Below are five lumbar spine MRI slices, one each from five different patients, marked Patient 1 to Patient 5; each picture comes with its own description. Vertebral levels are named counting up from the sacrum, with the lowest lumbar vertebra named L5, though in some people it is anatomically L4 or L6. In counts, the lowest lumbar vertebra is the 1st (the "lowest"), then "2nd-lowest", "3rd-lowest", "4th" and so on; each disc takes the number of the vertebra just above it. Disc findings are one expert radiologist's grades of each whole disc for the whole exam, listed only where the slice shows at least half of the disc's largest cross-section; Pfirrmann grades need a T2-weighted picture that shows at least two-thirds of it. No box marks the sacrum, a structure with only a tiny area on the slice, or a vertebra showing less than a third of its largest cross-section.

Patient 1 of 5:
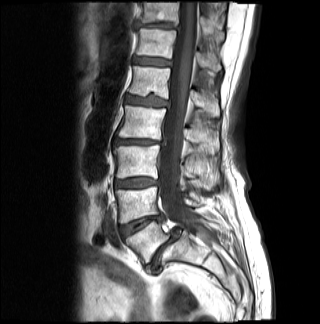 Sex F, Lumbar spine MR, T1-weighted, sagittal, Field of view 260x263 mm

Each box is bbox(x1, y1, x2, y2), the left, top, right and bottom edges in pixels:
T11 (7th vertebra) at bbox(140, 1, 224, 41).
T12/L1 (6th disc) at bbox(133, 57, 170, 65).
IVD L3/L4 (3rd-lowest disc) at bbox(115, 178, 158, 187).
IVD L5/S1 (lowest disc) at bbox(146, 228, 179, 272).
IVD L1/L2 (5th disc) at bbox(126, 95, 168, 106).
L2 (4th vertebra) at bbox(116, 105, 212, 145).
IVD L2/L3 (4th disc) at bbox(113, 138, 164, 145).
L1 (5th vertebra) at bbox(129, 66, 219, 115).
Thecal sac / spinal canal at bbox(160, 1, 199, 233).
T11/T12 (7th disc) at bbox(135, 23, 173, 29).
L3 (3rd-lowest vertebra) at bbox(113, 145, 194, 179).
L4/L5 (2nd-lowest disc) at bbox(120, 213, 164, 237).
L5 (lowest vertebra) at bbox(126, 219, 218, 262).
T12 (6th vertebra) at bbox(136, 28, 221, 71).
L4 (2nd-lowest vertebra) at bbox(115, 186, 200, 223).

Expert MSK radiologist gradings (per disc):
  L3/L4 (3rd-lowest disc): disc bulging
  L1/L2 (5th disc): disc bulging, lower-endplate change
  L2/L3 (4th disc): disc narrowing, Modic type II, disc bulging
  T11/T12 (7th disc): disc bulging, disc narrowing
  L4/L5 (2nd-lowest disc): Modic type II, disc narrowing
  L5/S1 (lowest disc): lower-endplate change, disc narrowing, upper-endplate change, spondylolisthesis, disc herniation, Modic type II, disc bulging
  T12/L1 (6th disc): no Modic or endplate change, herniation, narrowing, bulging or spondylolisthesis recorded

Patient 2 of 5:
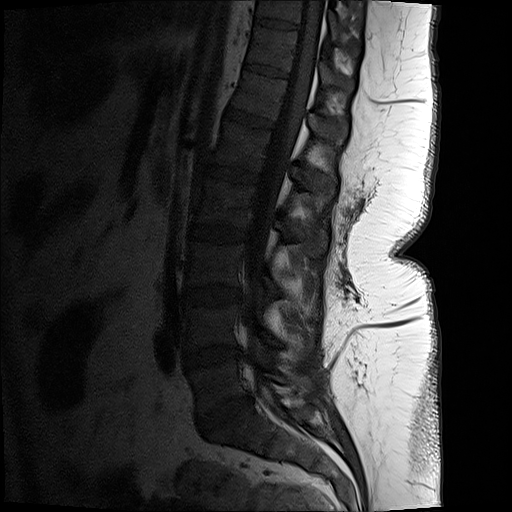

MRI lumbar spine (T1-weighted), sagittal plane. Sex F.

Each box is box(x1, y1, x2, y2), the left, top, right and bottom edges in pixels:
{"intervertebral disc L4/L5": "box(185, 346, 243, 368)", "L5 vertebra": "box(191, 359, 286, 412)", "intervertebral disc T12/L1": "box(224, 104, 273, 128)", "spinal canal": "box(244, 1, 325, 394)", "L1 vertebra": "box(213, 118, 337, 197)", "L2": "box(191, 176, 328, 254)", "L4": "box(188, 303, 282, 349)", "intervertebral disc L5/S1": "box(198, 395, 252, 430)", "L3": "box(188, 240, 278, 302)", "T11/T12": "box(244, 62, 290, 77)", "T11": "box(248, 25, 354, 90)", "intervertebral disc L2/L3": "box(188, 222, 247, 241)", "L1/L2": "box(195, 162, 258, 182)", "L3/L4": "box(187, 285, 242, 305)", "T12": "box(233, 70, 349, 145)", "T10/T11": "box(255, 17, 300, 29)", "T10 vertebra": "box(257, 0, 360, 53)"}

Per-level radiological findings:
- L4/L5: disc narrowing, disc bulging
- L5/S1: disc bulging, disc narrowing
- L2/L3, L3/L4, T12/L1, T11/T12, L1/L2, T10/T11: no spondylolisthesis, narrowing, bulging, herniation, Modic or endplate change recorded

Patient 3 of 5:
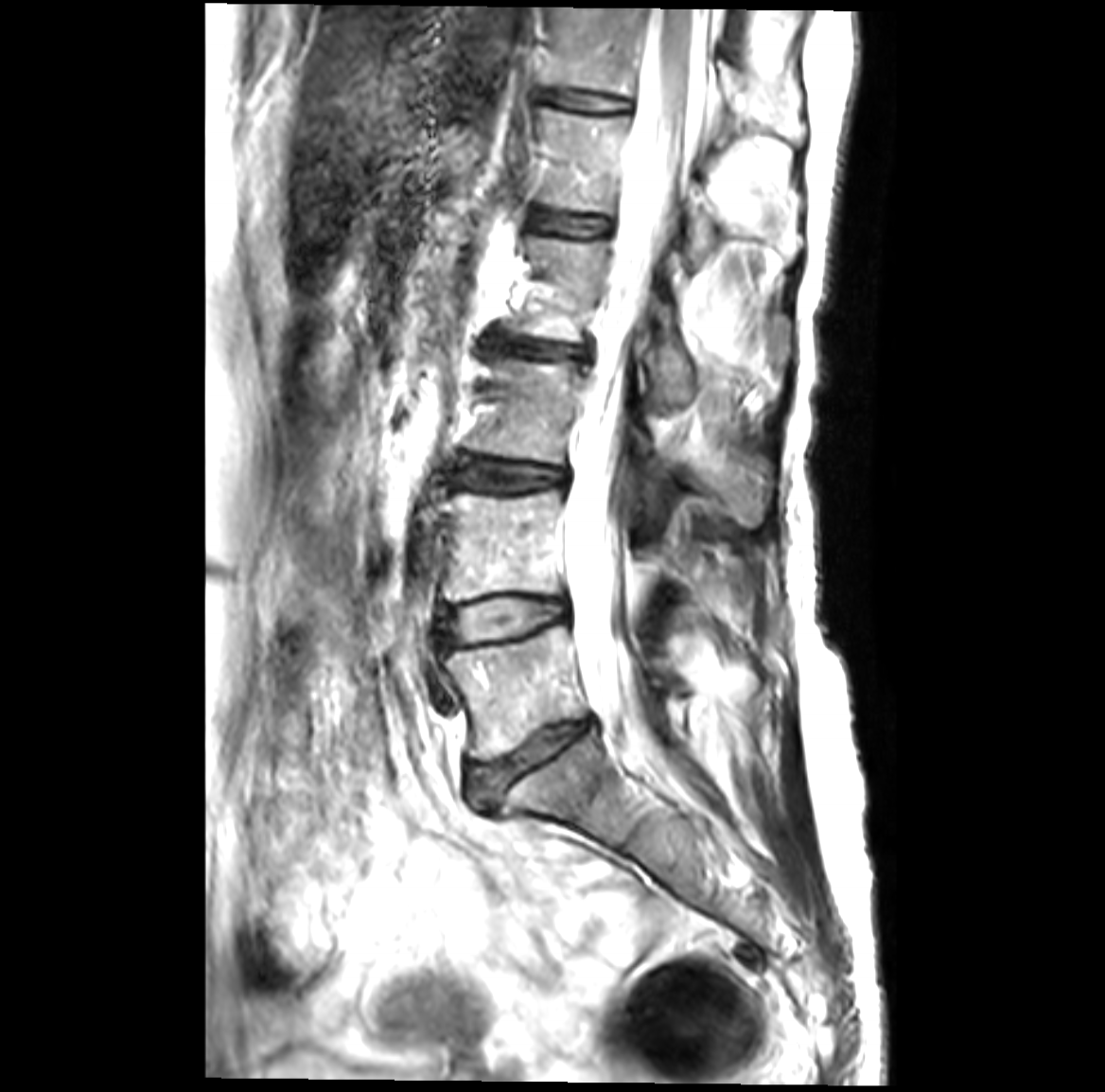
Image 1105x1092 | Sex F | Slice 20 of 41 | MRI lumbar spine (T2-weighted), sagittal plane | Field of view 290x286 mm
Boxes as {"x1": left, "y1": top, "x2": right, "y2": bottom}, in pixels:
{"lowest disc": {"x1": 469, "y1": 719, "x2": 595, "y2": 798}, "3rd-lowest disc": {"x1": 455, "y1": 457, "x2": 560, "y2": 489}, "6th disc": {"x1": 547, "y1": 91, "x2": 629, "y2": 117}, "5th disc": {"x1": 531, "y1": 213, "x2": 608, "y2": 238}, "lowest vertebra": {"x1": 444, "y1": 625, "x2": 675, "y2": 760}, "4th vertebra": {"x1": 513, "y1": 236, "x2": 787, "y2": 401}, "5th vertebra": {"x1": 538, "y1": 110, "x2": 801, "y2": 262}, "3rd-lowest vertebra": {"x1": 471, "y1": 361, "x2": 769, "y2": 527}, "6th vertebra": {"x1": 545, "y1": 8, "x2": 764, "y2": 133}, "thecal sac / spinal canal": {"x1": 565, "y1": 9, "x2": 705, "y2": 754}, "2nd-lowest disc": {"x1": 444, "y1": 598, "x2": 567, "y2": 640}, "2nd-lowest vertebra": {"x1": 444, "y1": 487, "x2": 760, "y2": 599}, "4th disc": {"x1": 492, "y1": 333, "x2": 585, "y2": 359}}

Expert MSK radiologist gradings (per disc):
• 2nd-lowest disc: Pfirrmann grade 3, disc bulging, Modic type II
• 6th disc: Pfirrmann grade 1
• 3rd-lowest disc: Pfirrmann grade 3, disc bulging, Modic type II
• 4th disc: Modic type II, disc narrowing, disc bulging
• lowest disc: Pfirrmann grade 4, disc narrowing, disc bulging, Modic type II
• 5th disc: no Modic or endplate change, herniation, narrowing, bulging or spondylolisthesis recorded

Patient 4 of 5:
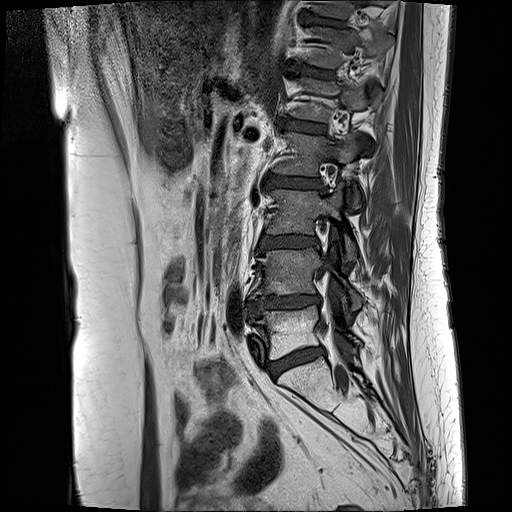

Slice 6 of 17. T1-weighted sagittal MRI of the lumbar spine. Sex F. Field of view 300x300 mm, slice spacing 3.3 mm.
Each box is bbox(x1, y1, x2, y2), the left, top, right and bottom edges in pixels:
IVD L2/L3: bbox(266, 174, 323, 189).
IVD L1/L2: bbox(281, 119, 326, 133).
T11/T12: bbox(302, 14, 346, 26).
L4/L5: bbox(247, 294, 320, 317).
L3 vertebra: bbox(267, 185, 356, 260).
L5: bbox(253, 305, 358, 358).
T12/L1: bbox(291, 63, 333, 77).
T12 vertebra: bbox(305, 23, 391, 67).
L2 vertebra: bbox(272, 133, 360, 209).
Spinal canal: bbox(322, 262, 329, 275).
L3/L4: bbox(259, 236, 318, 249).
L4 vertebra: bbox(251, 248, 362, 309).
L1 vertebra: bbox(289, 76, 366, 121).
IVD L5/S1: bbox(270, 347, 325, 377).

Expert MSK radiologist gradings (per disc):
• T12/L1: Modic type II
• L2/L3: Modic type II, disc bulging
• T11/T12: Modic type II, lower-endplate change, upper-endplate change
• L5/S1: disc bulging, Modic type II
• L3/L4: disc bulging, Modic type II
• L1/L2: Modic type II
• L4/L5: lower-endplate change, disc narrowing, upper-endplate change, Modic type II, disc bulging

Patient 5 of 5:
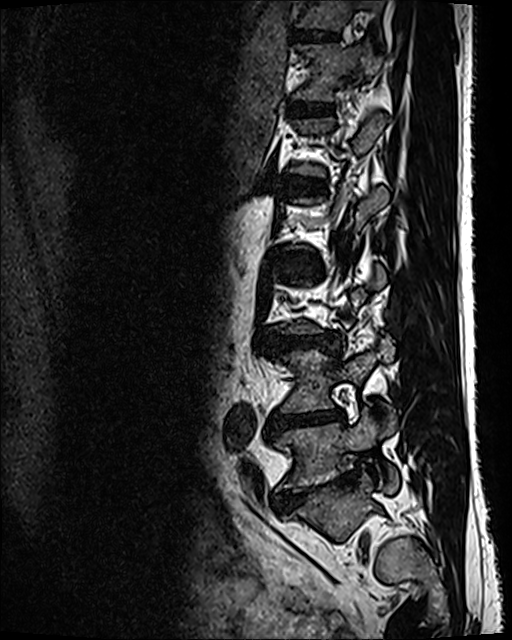 Sagittal slice index 34, MRI lumbar spine (T2 SPACE (3D)), sagittal plane, 512x640 px
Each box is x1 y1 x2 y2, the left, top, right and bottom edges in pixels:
Annotations:
• T11 (7th vertebra): 296 0 385 31
• L4 (2nd-lowest vertebra): 281 336 394 413
• L3/L4 (3rd-lowest disc): 275 336 322 347
• L1/L2 (5th disc): 289 178 320 188
• intervertebral disc T11/T12 (7th disc): 291 29 337 41
• L4/L5 (2nd-lowest disc): 275 410 345 429
• L5 (lowest vertebra): 272 409 398 492
• T12/L1 (6th disc): 292 102 332 115
• L5/S1 (lowest disc): 273 482 331 508
• T12 (6th vertebra): 292 43 382 101

Expert MSK radiologist gradings (per disc):
  L4/L5 (2nd-lowest disc): Pfirrmann grade 5, lower-endplate change, Modic type II, disc narrowing, disc bulging
  T11/T12 (7th disc): no herniation, bulging, narrowing, spondylolisthesis, endplate or Modic change recorded